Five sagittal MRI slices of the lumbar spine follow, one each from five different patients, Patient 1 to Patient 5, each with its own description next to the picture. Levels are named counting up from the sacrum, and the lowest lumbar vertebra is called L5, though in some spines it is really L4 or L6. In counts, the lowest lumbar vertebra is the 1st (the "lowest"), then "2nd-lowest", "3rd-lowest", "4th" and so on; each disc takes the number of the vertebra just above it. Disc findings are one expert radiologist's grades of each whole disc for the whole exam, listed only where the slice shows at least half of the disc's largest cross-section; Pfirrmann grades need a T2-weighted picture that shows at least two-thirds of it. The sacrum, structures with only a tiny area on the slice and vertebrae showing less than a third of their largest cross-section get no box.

Patient 1 of 5:
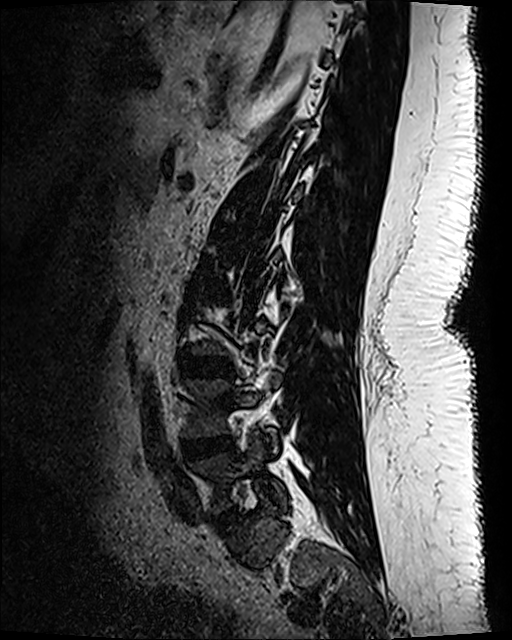 Sagittal T2 SPACE (3D) lumbar spine MRI, Patient sex: F
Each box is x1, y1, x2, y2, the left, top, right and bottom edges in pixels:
3rd-lowest disc at 181, 355, 231, 378; 4th disc at 202, 283, 226, 294; lowest disc at 215, 506, 237, 522; lowest vertebra at 190, 440, 287, 511; 2nd-lowest vertebra at 182, 374, 281, 452; 2nd-lowest disc at 184, 436, 231, 460.

Expert MSK radiologist gradings (per disc):
- 2nd-lowest disc: disc bulging, disc narrowing
- 3rd-lowest disc: no Modic or endplate change, herniation, narrowing, bulging or spondylolisthesis recorded

Patient 2 of 5:
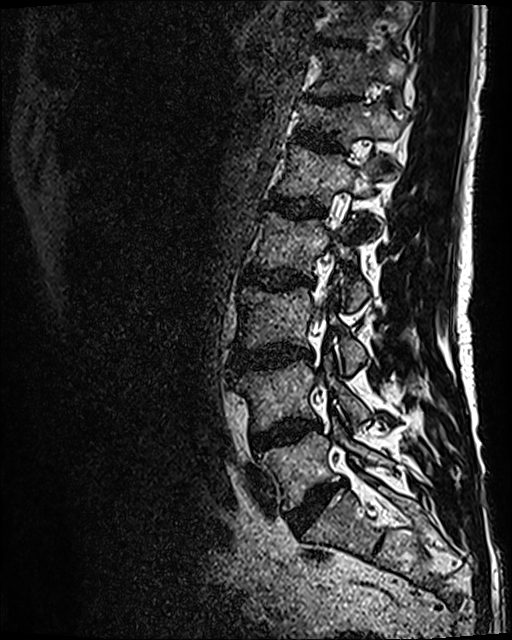 MRI lumbar spine (T2 SPACE (3D)), sagittal plane.
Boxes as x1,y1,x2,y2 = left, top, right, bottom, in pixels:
Spinal canal: 311,227,336,399.
Intervertebral disc T10/T11: 321,40,360,46.
T11/T12: 309,97,345,104.
Intervertebral disc L5/S1: 287,484,335,531.
L4 vertebra: 232,358,369,430.
L5: 259,418,387,510.
L3: 238,287,366,374.
L4/L5: 249,419,319,450.
T12: 298,101,400,165.
L1/L2: 267,193,324,218.
Intervertebral disc T12/L1: 290,131,340,149.
Intervertebral disc L2/L3: 243,269,312,289.
T10: 322,0,412,38.
L1: 276,145,379,206.
T11 vertebra: 311,49,405,111.
L3/L4: 233,346,311,372.
L2: 255,212,368,309.

Per-level radiological findings:
  L2/L3: Pfirrmann grade 3, Modic type II, disc bulging
  L3/L4: Pfirrmann grade 4, disc narrowing, disc bulging, Modic type II
  L5/S1: Pfirrmann grade 4, disc narrowing, disc bulging
  L1/L2: Pfirrmann grade 3
  L4/L5: Pfirrmann grade 3, disc bulging, Modic type II

Patient 3 of 5:
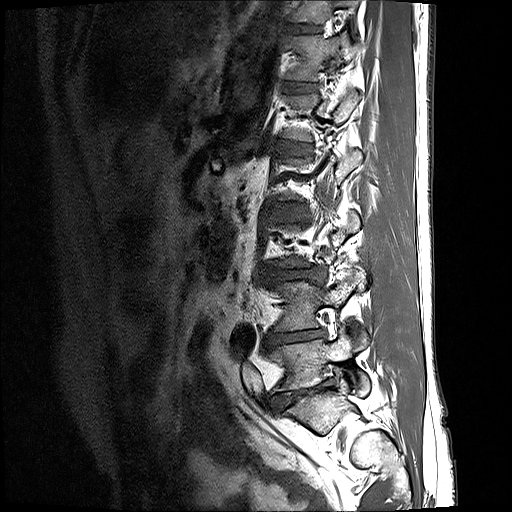
Slice 16 of 17; Lumbar spine MR, T1-weighted, sagittal; Sex M

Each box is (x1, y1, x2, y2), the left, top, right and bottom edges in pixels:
{"IVD L5/S1 (lowest disc)": "(269, 379, 335, 410)", "L4 (2nd-lowest vertebra)": "(274, 273, 368, 349)", "IVD L4/L5 (2nd-lowest disc)": "(264, 329, 326, 352)", "L5 (lowest vertebra)": "(268, 327, 369, 395)", "T12 (6th vertebra)": "(285, 32, 356, 80)", "T12/L1 (6th disc)": "(284, 82, 317, 92)", "IVD T11/T12 (7th disc)": "(286, 24, 321, 33)", "T11 (7th vertebra)": "(289, 0, 360, 29)", "L1/L2 (5th disc)": "(280, 143, 310, 155)", "L3/L4 (3rd-lowest disc)": "(264, 269, 325, 283)", "L2/L3 (4th disc)": "(278, 206, 302, 219)"}

Expert MSK radiologist gradings (per disc):
- L3/L4 (3rd-lowest disc): disc narrowing, disc bulging
- L4/L5 (2nd-lowest disc): Modic type II, lower-endplate change, disc bulging, disc narrowing
- L5/S1 (lowest disc): disc narrowing, spondylolisthesis, disc bulging, lower-endplate change
- T12/L1 (6th disc), T11/T12 (7th disc): no spondylolisthesis, narrowing, bulging, herniation, Modic or endplate change recorded

Patient 4 of 5:
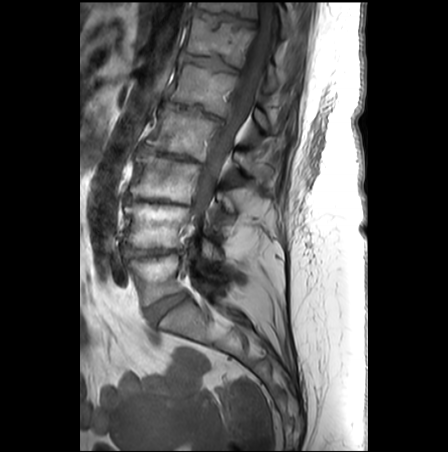 T1-weighted sagittal MRI of the lumbar spine

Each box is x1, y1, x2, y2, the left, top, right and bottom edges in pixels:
T12/L1 (6th disc): 182, 53, 238, 71.
Disc L1/L2 (5th disc): 165, 101, 223, 124.
T12 (6th vertebra): 184, 17, 276, 89.
L4 (2nd-lowest vertebra): 123, 203, 219, 259.
T11 (7th vertebra): 197, 2, 292, 37.
L3 (3rd-lowest vertebra): 128, 154, 235, 213.
L2 (4th vertebra): 146, 108, 270, 180.
Thecal sac / spinal canal: 193, 1, 276, 226.
L1 (5th vertebra): 170, 63, 268, 130.
L5 (lowest vertebra): 128, 252, 224, 305.
L3/L4 (3rd-lowest disc): 124, 197, 189, 206.
L4/L5 (2nd-lowest disc): 122, 247, 179, 258.
Disc L5/S1 (lowest disc): 145, 293, 187, 321.
Disc L2/L3 (4th disc): 141, 146, 200, 163.
T11/T12 (7th disc): 193, 9, 255, 27.

Per-level radiological findings:
  T12/L1 (6th disc): Modic type II, upper-endplate change, lower-endplate change
  L3/L4 (3rd-lowest disc): lower-endplate change, upper-endplate change, disc narrowing, disc bulging, Modic type II
  L1/L2 (5th disc): spondylolisthesis, lower-endplate change, Modic type II, disc bulging, disc narrowing, upper-endplate change
  L2/L3 (4th disc): Modic type II, disc bulging, disc narrowing, lower-endplate change, upper-endplate change
  L4/L5 (2nd-lowest disc): upper-endplate change, disc bulging, lower-endplate change, disc narrowing, Modic type II
  T11/T12 (7th disc): lower-endplate change, upper-endplate change
  L5/S1 (lowest disc): no Modic or endplate change, herniation, narrowing, bulging or spondylolisthesis recorded

Patient 5 of 5:
Slice 13/31. Image 881x899. Lumbar spine MR, T1-weighted, sagittal. Sex F.
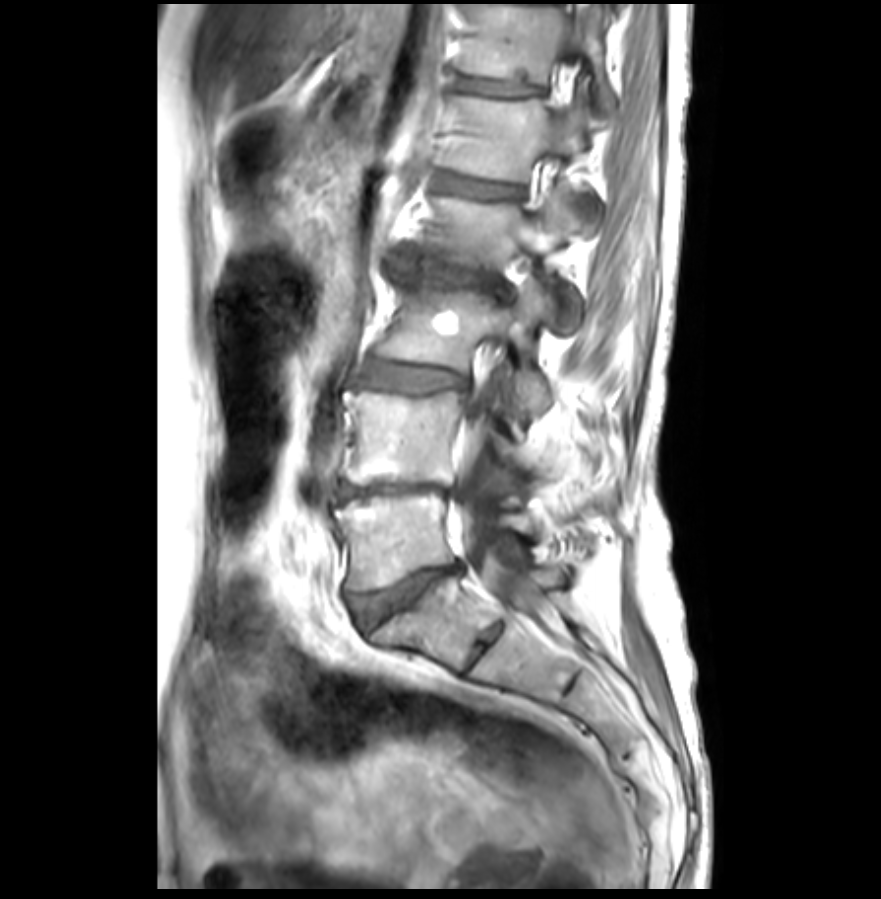

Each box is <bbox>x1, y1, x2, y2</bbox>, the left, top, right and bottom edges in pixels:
Structures:
- L1: <bbox>439, 98, 603, 235</bbox>
- L1/L2: <bbox>439, 173, 524, 197</bbox>
- L3/L4: <bbox>362, 362, 469, 392</bbox>
- intervertebral disc L2/L3: <bbox>389, 255, 514, 298</bbox>
- L3: <bbox>380, 274, 554, 416</bbox>
- L4: <bbox>344, 391, 534, 483</bbox>
- spinal canal: <bbox>452, 8, 589, 619</bbox>
- L4/L5: <bbox>340, 483, 449, 502</bbox>
- T12/L1: <bbox>458, 77, 546, 96</bbox>
- L2 vertebra: <bbox>421, 190, 583, 331</bbox>
- L5 vertebra: <bbox>338, 491, 538, 589</bbox>
- T12: <bbox>462, 3, 617, 111</bbox>
- intervertebral disc L5/S1: <bbox>352, 567, 457, 628</bbox>

Degenerative findings by level:
• L4/L5: disc narrowing, Modic type II, disc bulging
• L2/L3: disc bulging, upper-endplate change, Modic type II, lower-endplate change, disc herniation, disc narrowing
• L5/S1: lower-endplate change, disc bulging, disc narrowing, upper-endplate change
• L3/L4: disc bulging, Modic type II
• L1/L2: Modic type II, lower-endplate change, upper-endplate change
• T12/L1: upper-endplate change, lower-endplate change